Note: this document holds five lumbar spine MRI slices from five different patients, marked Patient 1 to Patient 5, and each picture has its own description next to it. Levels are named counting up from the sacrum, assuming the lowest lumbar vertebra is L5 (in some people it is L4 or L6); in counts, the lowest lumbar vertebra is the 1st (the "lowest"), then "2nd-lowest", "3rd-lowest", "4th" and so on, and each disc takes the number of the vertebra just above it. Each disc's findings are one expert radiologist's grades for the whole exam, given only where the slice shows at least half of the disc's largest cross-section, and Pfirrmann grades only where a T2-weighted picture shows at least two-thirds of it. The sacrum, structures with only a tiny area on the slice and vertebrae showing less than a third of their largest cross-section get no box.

Patient 1 of 5:
Sex F. MRI lumbar spine (T2 SPACE (3D)), sagittal plane.

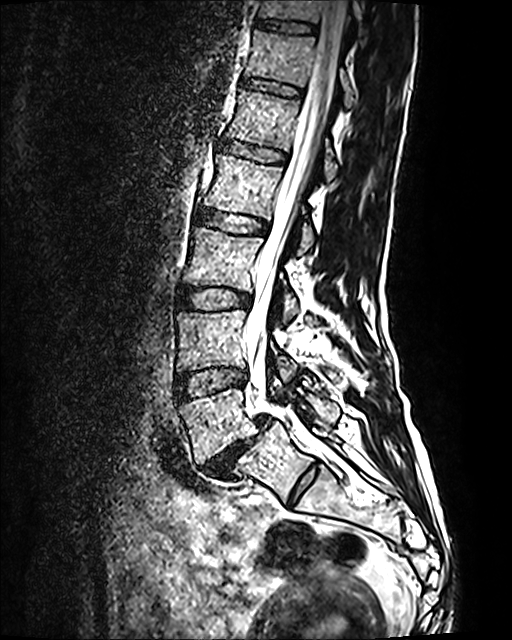 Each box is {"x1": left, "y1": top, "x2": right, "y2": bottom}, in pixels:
Segmented structures:
- lowest vertebra at {"x1": 180, "y1": 387, "x2": 340, "y2": 462}
- 2nd-lowest vertebra at {"x1": 177, "y1": 310, "x2": 295, "y2": 379}
- 6th disc at {"x1": 242, "y1": 78, "x2": 299, "y2": 96}
- 3rd-lowest disc at {"x1": 177, "y1": 287, "x2": 250, "y2": 309}
- 4th disc at {"x1": 194, "y1": 209, "x2": 267, "y2": 233}
- 5th disc at {"x1": 220, "y1": 141, "x2": 285, "y2": 163}
- 6th vertebra at {"x1": 245, "y1": 31, "x2": 355, "y2": 107}
- 3rd-lowest vertebra at {"x1": 183, "y1": 227, "x2": 298, "y2": 318}
- 7th vertebra at {"x1": 259, "y1": 0, "x2": 365, "y2": 37}
- thecal sac / spinal canal at {"x1": 244, "y1": 0, "x2": 348, "y2": 439}
- 5th vertebra at {"x1": 226, "y1": 90, "x2": 338, "y2": 180}
- 4th vertebra at {"x1": 204, "y1": 154, "x2": 313, "y2": 253}
- lowest disc at {"x1": 202, "y1": 416, "x2": 271, "y2": 477}
- 7th disc at {"x1": 256, "y1": 19, "x2": 314, "y2": 33}
- 2nd-lowest disc at {"x1": 174, "y1": 367, "x2": 245, "y2": 401}

Expert MSK radiologist gradings (per disc):
- lowest disc: Pfirrmann grade 5, disc narrowing, spondylolisthesis, disc bulging, Modic type II
- 2nd-lowest disc: Pfirrmann grade 2
- 3rd-lowest disc: Pfirrmann grade 2
- 7th disc: Pfirrmann grade 2
- 4th disc: Pfirrmann grade 2
- 5th disc: Pfirrmann grade 2
- 6th disc: Pfirrmann grade 2

Patient 2 of 5:
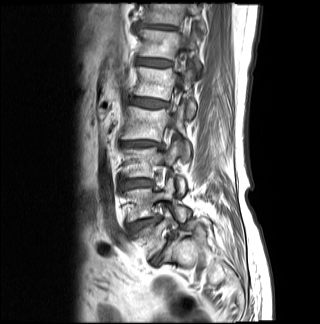
T1-weighted sagittal MRI of the lumbar spine. Field of view 260x263 mm, slice spacing 4.7 mm.

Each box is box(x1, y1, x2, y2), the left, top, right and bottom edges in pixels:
L1 at box(134, 66, 195, 118); L2/L3 at box(121, 140, 158, 146); disc L4/L5 at box(128, 218, 157, 233); L2 vertebra at box(122, 104, 190, 160); L4 vertebra at box(127, 177, 190, 221); L3 at box(124, 140, 185, 194); L5 at box(133, 209, 210, 253); disc L5/S1 at box(151, 235, 174, 265); disc L1/L2 at box(129, 97, 167, 107); disc L3/L4 at box(123, 180, 151, 188); T11 vertebra at box(141, 4, 206, 33); disc T11/T12 at box(137, 23, 176, 29); disc T12/L1 at box(137, 58, 171, 67); T12 vertebra at box(138, 30, 200, 69).

Degenerative findings by level:
- L3/L4: disc bulging
- L4/L5: Modic type II, disc narrowing
- T11/T12: disc bulging, disc narrowing
- L1/L2: disc bulging, lower-endplate change
- L2/L3: Modic type II, disc narrowing, disc bulging
- T12/L1: no Modic or endplate change, herniation, narrowing, bulging or spondylolisthesis recorded

Patient 3 of 5:
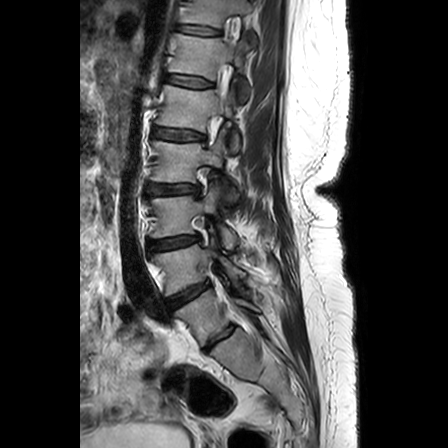
Sagittal T2-weighted lumbar spine MRI | Slice spacing 3.3 mm | 448x448 px
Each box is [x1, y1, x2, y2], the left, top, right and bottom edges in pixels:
T11 vertebra — [182, 0, 257, 44].
Intervertebral disc L4/L5 — [168, 283, 207, 308].
L2 vertebra — [151, 128, 240, 202].
T12 — [169, 32, 249, 102].
L2/L3 — [147, 184, 198, 194].
L4 vertebra — [152, 227, 248, 295].
L3 vertebra — [152, 184, 237, 249].
L1 — [156, 79, 239, 152].
Intervertebral disc L3/L4 — [151, 235, 199, 250].
Intervertebral disc T12/L1 — [166, 75, 212, 87].
Intervertebral disc L5/S1 — [205, 324, 234, 351].
T11/T12 — [180, 26, 219, 36].
L5 — [176, 288, 261, 345].
L1/L2 — [154, 127, 203, 140].

Expert MSK radiologist gradings (per disc):
- L4/L5: Pfirrmann grade 4, disc bulging, disc narrowing
- T12/L1: Pfirrmann grade 2, lower-endplate change, upper-endplate change
- L1/L2: Pfirrmann grade 3, lower-endplate change, upper-endplate change, disc bulging
- T11/T12: Pfirrmann grade 2, upper-endplate change, lower-endplate change
- L3/L4: Pfirrmann grade 3, disc bulging, upper-endplate change, lower-endplate change
- L2/L3: Pfirrmann grade 3, upper-endplate change, disc bulging, lower-endplate change
- L5/S1: no spondylolisthesis, narrowing, bulging, herniation, Modic or endplate change recorded

Patient 4 of 5:
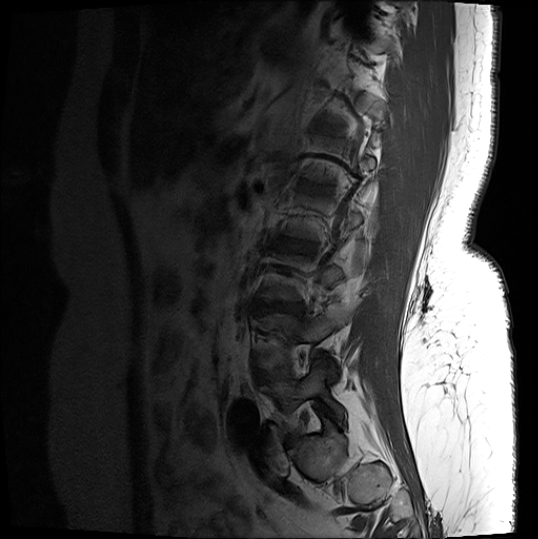 538x539 px | Lumbar spine MR, T1-weighted, sagittal | Sex F

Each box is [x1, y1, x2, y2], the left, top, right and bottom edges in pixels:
L3/L4 (3rd-lowest disc): [259, 302, 304, 312].
Intervertebral disc L2/L3 (4th disc): [272, 238, 315, 252].
L4 (2nd-lowest vertebra): [257, 305, 349, 374].
Intervertebral disc L1/L2 (5th disc): [299, 182, 326, 192].
L4/L5 (2nd-lowest disc): [257, 368, 290, 382].
L5 (lowest vertebra): [261, 360, 345, 431].

Degenerative findings by level:
  L2/L3 (4th disc): disc bulging, upper-endplate change, lower-endplate change
  L3/L4 (3rd-lowest disc): upper-endplate change, disc narrowing, Modic type II, lower-endplate change, disc bulging

Patient 5 of 5:
Lumbar spine MR, T2-weighted, sagittal; Slice 11/17 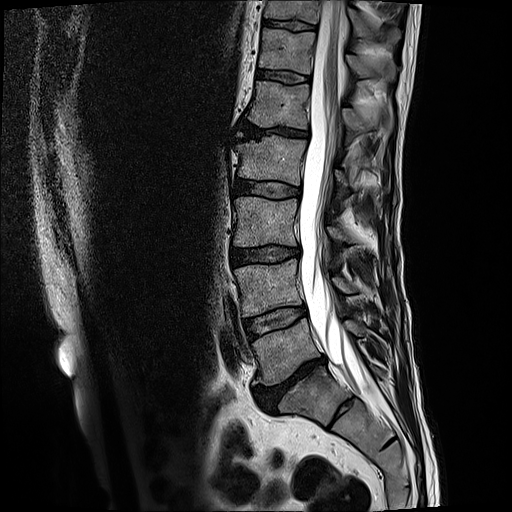
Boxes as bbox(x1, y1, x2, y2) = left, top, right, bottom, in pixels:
7th disc: bbox(264, 20, 314, 29).
2nd-lowest disc: bbox(244, 306, 305, 337).
4th vertebra: bbox(236, 134, 347, 198).
4th disc: bbox(234, 179, 301, 197).
Lowest disc: bbox(255, 355, 325, 408).
Lowest vertebra: bbox(253, 318, 362, 385).
Thecal sac / spinal canal: bbox(298, 0, 371, 388).
5th disc: bbox(240, 121, 307, 137).
3rd-lowest disc: bbox(231, 246, 299, 263).
2nd-lowest vertebra: bbox(234, 258, 352, 315).
6th disc: bbox(257, 66, 309, 82).
7th vertebra: bbox(265, 0, 399, 38).
3rd-lowest vertebra: bbox(233, 197, 345, 246).
6th vertebra: bbox(259, 27, 395, 78).
5th vertebra: bbox(246, 81, 392, 142).

Per-level radiological findings:
• 5th disc: Pfirrmann grade 5, disc bulging, upper-endplate change, Modic type II, disc narrowing, lower-endplate change
• 6th disc: Pfirrmann grade 3
• 7th disc: Pfirrmann grade 3, upper-endplate change, lower-endplate change
• 4th disc: Pfirrmann grade 3
• 2nd-lowest disc: Pfirrmann grade 3, Modic type II
• 3rd-lowest disc: Pfirrmann grade 3, disc bulging, lower-endplate change, upper-endplate change
• lowest disc: Pfirrmann grade 5, disc narrowing, Modic type II, lower-endplate change, upper-endplate change, disc bulging